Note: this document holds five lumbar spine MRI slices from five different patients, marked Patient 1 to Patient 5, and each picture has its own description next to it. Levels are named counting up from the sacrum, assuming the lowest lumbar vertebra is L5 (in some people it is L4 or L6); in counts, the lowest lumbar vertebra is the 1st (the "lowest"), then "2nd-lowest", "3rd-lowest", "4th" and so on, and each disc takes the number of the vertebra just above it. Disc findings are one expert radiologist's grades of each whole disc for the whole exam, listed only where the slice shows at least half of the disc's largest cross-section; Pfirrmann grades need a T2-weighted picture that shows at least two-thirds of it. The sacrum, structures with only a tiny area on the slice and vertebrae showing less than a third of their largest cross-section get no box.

Patient 1 of 5:
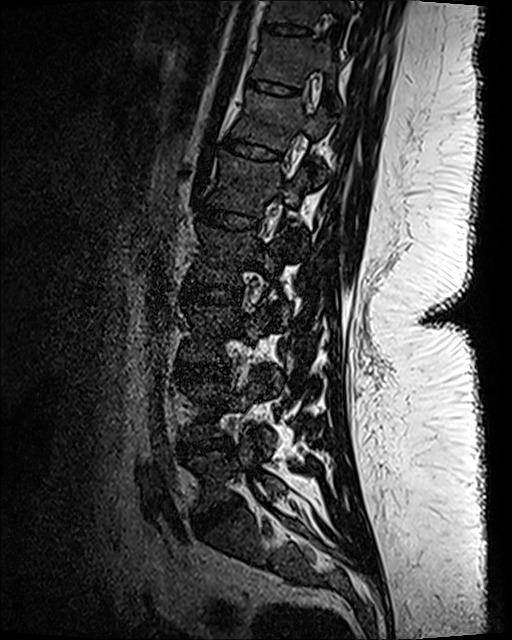

Slice spacing 0.9 mm. Patient sex: F. MRI lumbar spine (T2 SPACE (3D)), sagittal plane.

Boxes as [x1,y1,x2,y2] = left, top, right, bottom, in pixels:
T10 = [266,0,350,26].
L2 = [191,224,290,323].
T11/T12 = [246,77,301,95].
Intervertebral disc L1/L2 = [194,209,260,230].
T12 vertebra = [234,91,328,181].
T11 = [254,34,334,85].
Intervertebral disc T10/T11 = [266,24,310,36].
L5 = [191,433,284,510].
L2/L3 = [182,283,241,305].
L5/S1 = [195,498,240,531].
L1 vertebra = [209,151,309,215].
L3/L4 = [177,363,227,381].
Intervertebral disc L4/L5 = [180,438,229,455].
L4 = [184,383,273,455].
L3 = [180,305,281,388].
T12/L1 = [221,136,282,161].

Expert MSK radiologist gradings (per disc):
- L1/L2: Pfirrmann grade 1
- L2/L3: Pfirrmann grade 1
- T10/T11: Pfirrmann grade 1
- T11/T12: Pfirrmann grade 1
- T12/L1: Pfirrmann grade 1

Patient 2 of 5:
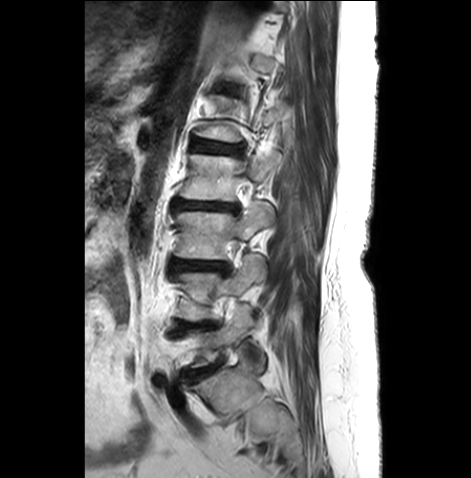

Lumbar spine MR, T2-weighted, sagittal.

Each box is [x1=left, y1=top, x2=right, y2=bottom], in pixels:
2nd-lowest vertebra: [x1=172, y1=254, x2=265, y2=321].
Lowest vertebra: [x1=188, y1=304, x2=265, y2=371].
4th disc: [x1=172, y1=199, x2=238, y2=212].
5th disc: [x1=192, y1=140, x2=241, y2=154].
3rd-lowest vertebra: [x1=174, y1=201, x2=273, y2=260].
2nd-lowest disc: [x1=176, y1=321, x2=217, y2=330].
4th vertebra: [x1=179, y1=150, x2=281, y2=201].
Lowest disc: [x1=185, y1=363, x2=219, y2=380].
3rd-lowest disc: [x1=170, y1=260, x2=230, y2=272].

Degenerative findings by level:
• 3rd-lowest disc: Pfirrmann grade 4, disc bulging, disc narrowing, Modic type II
• lowest disc: Modic type II, disc bulging, disc narrowing
• 5th disc: Pfirrmann grade 3, disc bulging, lower-endplate change, upper-endplate change, Modic type II
• 4th disc: Pfirrmann grade 5, disc bulging, Modic type II, upper-endplate change, disc narrowing, lower-endplate change

Patient 3 of 5:
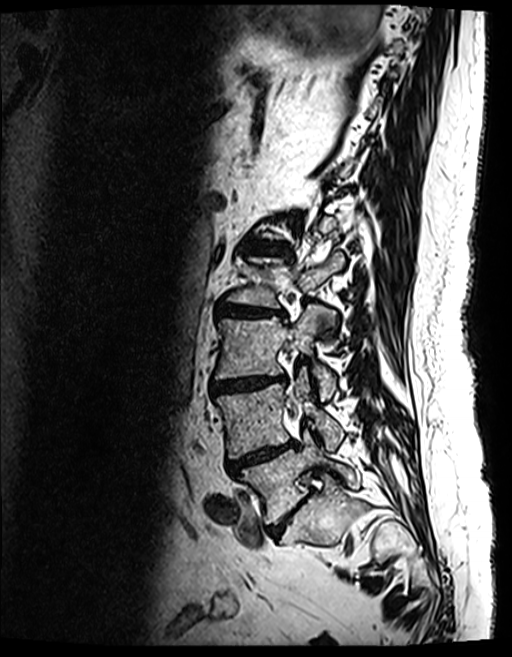 Lumbar spine MR, T2 SPACE (3D), sagittal, Field of view 240x308 mm, Image 512x657
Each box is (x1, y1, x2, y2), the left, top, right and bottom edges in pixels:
L4 vertebra = (216, 367, 343, 457).
L5/S1 = (270, 502, 303, 536).
L5 vertebra = (239, 429, 360, 524).
IVD L2/L3 = (215, 302, 284, 316).
L1/L2 = (261, 247, 276, 251).
L3/L4 = (213, 376, 285, 391).
IVD L4/L5 = (228, 442, 294, 474).
L3 vertebra = (217, 305, 336, 399).

Per-level radiological findings:
  L3/L4: Pfirrmann grade 4, lower-endplate change, disc narrowing, disc bulging, upper-endplate change, Modic type II
  L4/L5: Pfirrmann grade 5, Modic type II, lower-endplate change, disc narrowing, disc bulging, upper-endplate change
  L2/L3: Pfirrmann grade 4, upper-endplate change, Modic type II, disc narrowing, lower-endplate change, disc bulging

Patient 4 of 5:
Patient sex: M, Slice spacing 3.3 mm, T2-weighted sagittal MRI of the lumbar spine

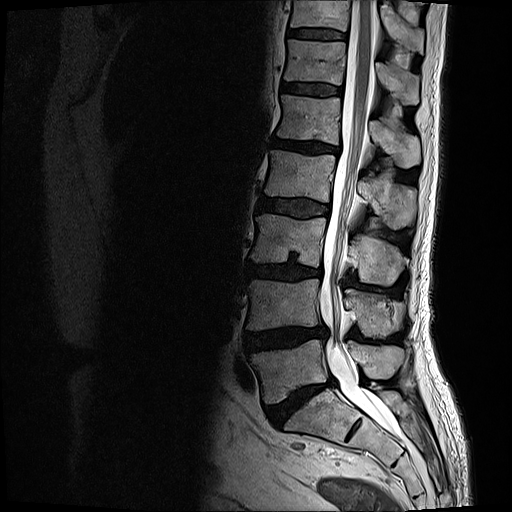

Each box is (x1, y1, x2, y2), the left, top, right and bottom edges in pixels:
L3/L4 — (246, 263, 323, 281).
L1 vertebra — (278, 94, 421, 167).
T12/L1 — (282, 84, 341, 96).
L2/L3 — (257, 196, 329, 218).
L5 vertebra — (252, 340, 400, 404).
Thecal sac / spinal canal — (319, 0, 393, 432).
Intervertebral disc L1/L2 — (271, 137, 339, 153).
L3 vertebra — (251, 213, 406, 284).
L4 vertebra — (248, 279, 404, 338).
Intervertebral disc L4/L5 — (244, 326, 327, 352).
L2 vertebra — (265, 149, 416, 228).
T11/T12 — (289, 30, 346, 39).
T11 vertebra — (290, 0, 424, 52).
T12 vertebra — (284, 39, 419, 104).
L5/S1 — (265, 379, 336, 428).

Degenerative findings by level:
• L2/L3: Pfirrmann grade 3, disc bulging
• T11/T12: Pfirrmann grade 3
• L1/L2: Pfirrmann grade 4, disc narrowing, Modic type II, disc bulging, lower-endplate change, upper-endplate change
• T12/L1: Pfirrmann grade 3
• L3/L4: Pfirrmann grade 4, lower-endplate change, disc bulging, Modic type II, disc narrowing
• L4/L5: Pfirrmann grade 4, disc herniation, disc bulging
• L5/S1: Pfirrmann grade 5, disc narrowing, Modic type II, disc bulging, lower-endplate change

Patient 5 of 5:
Sagittal T2-weighted lumbar spine MRI | Patient sex: F | Philips Healthcare Ingenia (3T)
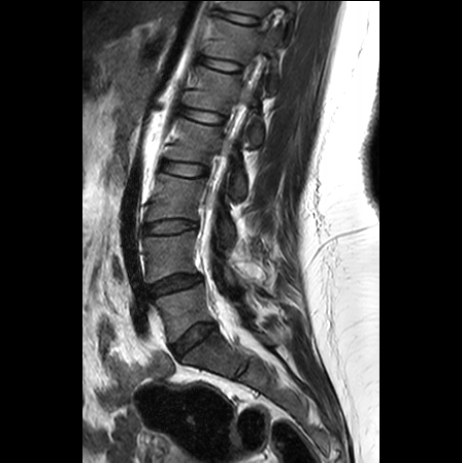 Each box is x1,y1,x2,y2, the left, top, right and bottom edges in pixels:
Structures:
- 2nd-lowest vertebra at 144,230,236,284
- 3rd-lowest disc at 143,220,195,234
- lowest vertebra at 156,283,253,341
- 7th vertebra at 220,0,295,43
- 6th vertebra at 205,19,281,91
- lowest disc at 172,322,216,357
- 3rd-lowest vertebra at 147,174,234,246
- spinal canal at 201,63,261,340
- 5th disc at 180,107,224,123
- 2nd-lowest disc at 149,274,201,296
- 5th vertebra at 185,67,262,146
- 6th disc at 200,57,240,72
- 7th disc at 220,11,257,24
- 4th vertebra at 167,118,245,198
- 4th disc at 161,161,207,175

Degenerative findings by level:
- 7th disc: Pfirrmann grade 1
- 6th disc: Pfirrmann grade 1
- 3rd-lowest disc: Pfirrmann grade 1
- 2nd-lowest disc: Pfirrmann grade 3, disc narrowing, disc bulging
- 4th disc: Pfirrmann grade 1
- lowest disc: Pfirrmann grade 3, disc narrowing, disc bulging
- 5th disc: Pfirrmann grade 1